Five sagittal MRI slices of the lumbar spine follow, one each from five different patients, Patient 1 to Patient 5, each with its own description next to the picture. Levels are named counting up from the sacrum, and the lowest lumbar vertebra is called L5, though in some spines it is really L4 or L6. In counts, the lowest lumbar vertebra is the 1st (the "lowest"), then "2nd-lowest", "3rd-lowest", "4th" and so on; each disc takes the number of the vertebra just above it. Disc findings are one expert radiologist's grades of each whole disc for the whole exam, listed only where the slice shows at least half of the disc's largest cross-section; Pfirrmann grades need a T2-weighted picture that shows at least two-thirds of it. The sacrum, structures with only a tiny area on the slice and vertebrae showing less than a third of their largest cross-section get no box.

Patient 1 of 5:
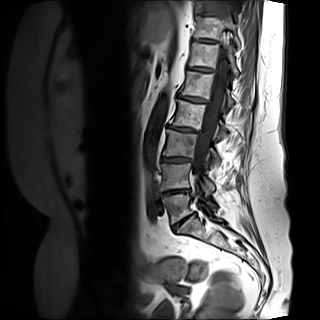 MRI lumbar spine (T1-weighted), sagittal plane; Sagittal slice index 4
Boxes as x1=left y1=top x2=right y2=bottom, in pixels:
• 6th vertebra at x1=188 y1=42 x2=238 y2=77
• 3rd-lowest disc at x1=161 y1=157 x2=192 y2=162
• spinal canal at x1=194 y1=1 x2=237 y2=175
• lowest vertebra at x1=162 y1=186 x2=216 y2=224
• 6th disc at x1=188 y1=67 x2=212 y2=71
• 4th vertebra at x1=169 y1=99 x2=226 y2=137
• 2nd-lowest vertebra at x1=161 y1=163 x2=214 y2=194
• 2nd-lowest disc at x1=161 y1=189 x2=189 y2=196
• 7th vertebra at x1=194 y1=15 x2=240 y2=47
• 4th disc at x1=168 y1=125 x2=196 y2=132
• 5th disc at x1=177 y1=94 x2=207 y2=102
• 5th vertebra at x1=179 y1=71 x2=233 y2=107
• 7th disc at x1=193 y1=39 x2=216 y2=42
• 3rd-lowest vertebra at x1=163 y1=129 x2=220 y2=164
• lowest disc at x1=172 y1=213 x2=194 y2=231

Expert MSK radiologist gradings (per disc):
- 5th disc: upper-endplate change, lower-endplate change, disc bulging, disc narrowing, Modic type II
- 3rd-lowest disc: lower-endplate change, disc bulging, disc narrowing, Modic type II, upper-endplate change
- 2nd-lowest disc: lower-endplate change, Modic type II, disc narrowing, upper-endplate change, disc bulging
- 4th disc: disc narrowing, upper-endplate change, lower-endplate change, Modic type II, disc bulging
- lowest disc: upper-endplate change, disc narrowing, lower-endplate change, Modic type II, disc bulging
- 6th disc, 7th disc: no herniation, bulging, narrowing, spondylolisthesis, endplate or Modic change recorded

Patient 2 of 5:
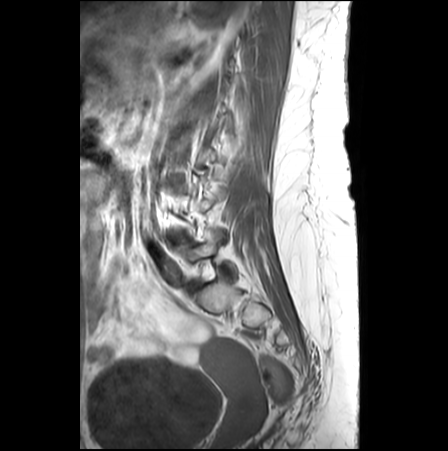

Image 448x451 | MRI lumbar spine (T1-weighted), sagittal plane | Patient sex: F
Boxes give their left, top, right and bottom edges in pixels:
IVD L4/L5 (2nd-lowest disc) at left=170, top=233, right=186, bottom=241; IVD L5/S1 (lowest disc) at left=188, top=281, right=198, bottom=290; L5 (lowest vertebra) at left=175, top=230, right=236, bottom=279.

Patient 3 of 5:
Slice spacing 3.3 mm; Image 477x478; Lumbar spine MR, T2-weighted, sagittal; Slice 4 of 25 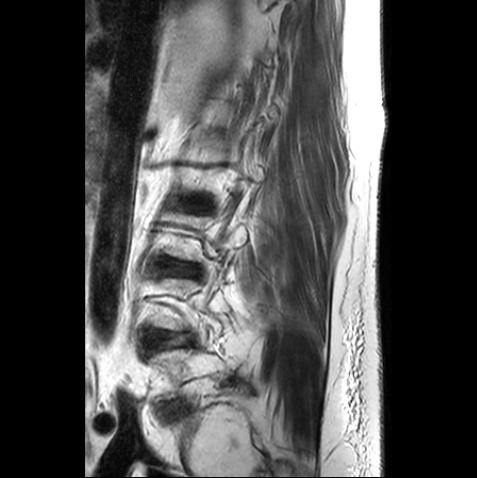 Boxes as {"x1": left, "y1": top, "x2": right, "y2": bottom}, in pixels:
L4/L5 at {"x1": 150, "y1": 330, "x2": 189, "y2": 349}, L2/L3 at {"x1": 189, "y1": 197, "x2": 206, "y2": 207}, IVD L3/L4 at {"x1": 159, "y1": 259, "x2": 201, "y2": 276}.

Patient 4 of 5:
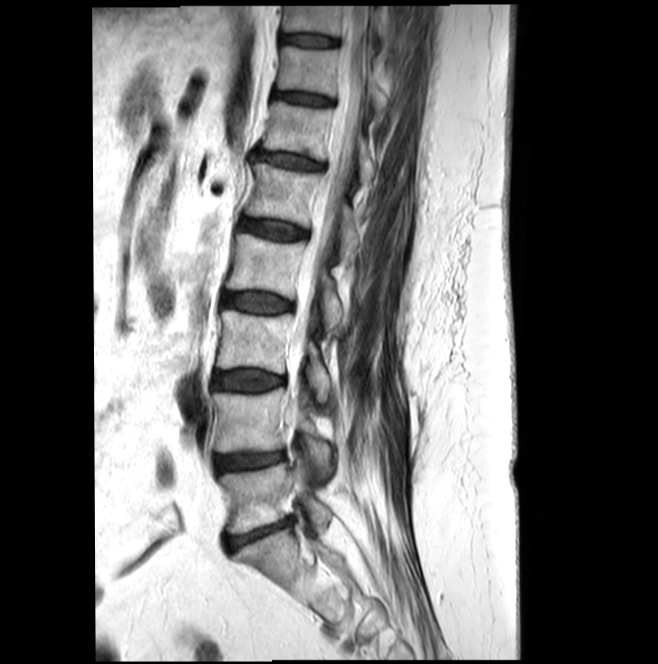 Sagittal slice index 8 | Sex F | T2-weighted sagittal MRI of the lumbar spine

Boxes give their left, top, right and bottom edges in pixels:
L2/L3: left=223, top=293, right=291, bottom=313 | spinal canal: left=289, top=6, right=367, bottom=406 | T10: left=282, top=6, right=385, bottom=42 | L4/L5: left=215, top=452, right=283, bottom=472 | L3/L4: left=213, top=370, right=283, bottom=391 | L3 vertebra: left=216, top=311, right=331, bottom=400 | disc L5/S1: left=225, top=517, right=292, bottom=549 | disc T12/L1: left=254, top=150, right=323, bottom=170 | L1: left=245, top=162, right=359, bottom=259 | L1/L2: left=238, top=217, right=306, bottom=240 | T11: left=277, top=45, right=386, bottom=112 | L4 vertebra: left=214, top=388, right=331, bottom=476 | L5 vertebra: left=220, top=459, right=331, bottom=533 | disc T10/T11: left=280, top=33, right=338, bottom=47 | T12 vertebra: left=262, top=101, right=376, bottom=183 | L2 vertebra: left=225, top=233, right=350, bottom=329 | disc T11/T12: left=273, top=91, right=331, bottom=106

Degenerative findings by level:
  L4/L5: Pfirrmann grade 3, disc narrowing
  L3/L4: Pfirrmann grade 3, Modic type II
  L5/S1: disc bulging, Modic type II, disc narrowing
  L2/L3: Pfirrmann grade 3
  T10/T11: Pfirrmann grade 3
  T11/T12: Pfirrmann grade 3
  L1/L2: Pfirrmann grade 3
  T12/L1: Pfirrmann grade 3, disc bulging

Patient 5 of 5:
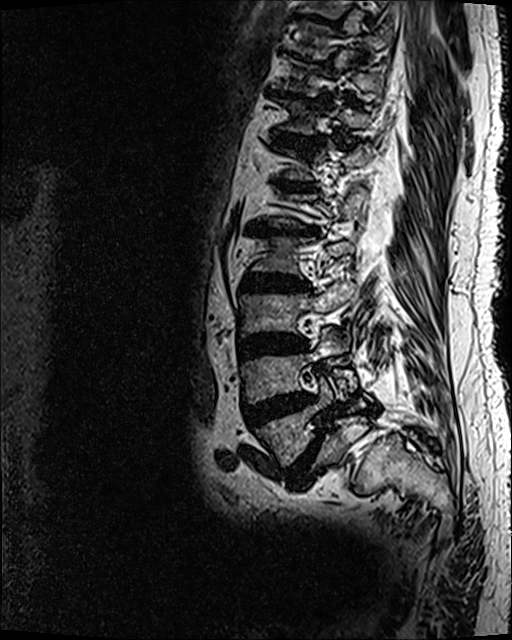
512x640 px; T2 SPACE (3D) sagittal MRI of the lumbar spine; Sex M

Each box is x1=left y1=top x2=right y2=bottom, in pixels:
8th disc: x1=265 y1=88 x2=333 y2=106.
9th disc: x1=281 y1=49 x2=321 y2=63.
4th vertebra: x1=250 y1=235 x2=353 y2=278.
7th disc: x1=270 y1=131 x2=324 y2=148.
Lowest disc: x1=286 y1=429 x2=323 y2=486.
6th disc: x1=276 y1=179 x2=313 y2=192.
5th disc: x1=246 y1=220 x2=319 y2=236.
3rd-lowest disc: x1=239 y1=332 x2=305 y2=358.
2nd-lowest disc: x1=243 y1=392 x2=315 y2=428.
7th vertebra: x1=270 y1=96 x2=374 y2=133.
3rd-lowest vertebra: x1=240 y1=280 x2=354 y2=335.
Lowest vertebra: x1=254 y1=373 x2=358 y2=467.
4th disc: x1=241 y1=271 x2=309 y2=291.
2nd-lowest vertebra: x1=240 y1=327 x2=347 y2=404.

Degenerative findings by level:
• 5th disc: Modic type II, disc narrowing, disc bulging, upper-endplate change, lower-endplate change
• 2nd-lowest disc: Pfirrmann grade 5, lower-endplate change, Modic type II, disc narrowing, upper-endplate change, disc bulging
• 4th disc: Pfirrmann grade 5, Modic type II, lower-endplate change, disc narrowing, upper-endplate change, disc bulging
• 7th disc: lower-endplate change, upper-endplate change, disc bulging, Modic type II, disc narrowing
• 3rd-lowest disc: Pfirrmann grade 5, lower-endplate change, upper-endplate change, Modic type II, disc bulging, disc narrowing
• 8th disc: disc bulging, lower-endplate change, Modic type II, disc narrowing, upper-endplate change
• lowest disc: Pfirrmann grade 5, spondylolisthesis, Modic type II, lower-endplate change, disc narrowing, upper-endplate change, disc bulging